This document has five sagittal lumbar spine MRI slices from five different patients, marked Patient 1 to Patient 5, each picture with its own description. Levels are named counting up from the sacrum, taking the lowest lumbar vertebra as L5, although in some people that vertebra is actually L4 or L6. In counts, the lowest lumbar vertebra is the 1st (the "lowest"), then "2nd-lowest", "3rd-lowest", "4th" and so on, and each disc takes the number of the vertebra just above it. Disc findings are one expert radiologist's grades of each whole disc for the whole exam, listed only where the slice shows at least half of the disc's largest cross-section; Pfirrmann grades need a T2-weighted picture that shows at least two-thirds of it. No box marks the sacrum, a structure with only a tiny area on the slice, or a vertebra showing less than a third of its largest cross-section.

Patient 1 of 5:
Lumbar spine MR, T2-weighted, sagittal, Philips Medical Systems Ingenia (1.5T)
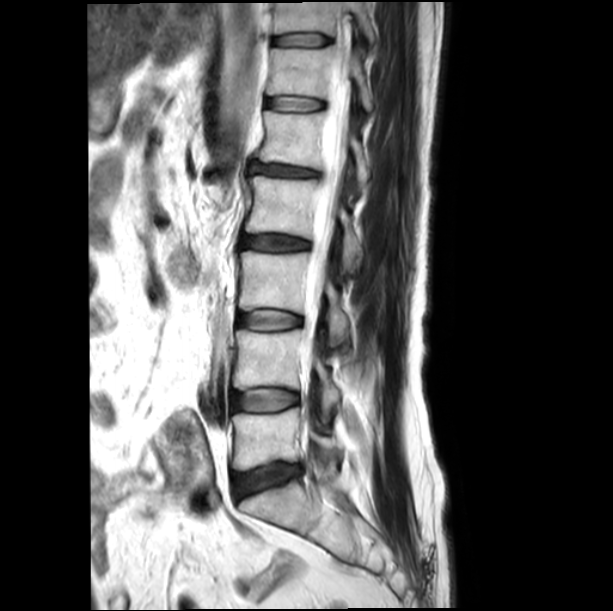 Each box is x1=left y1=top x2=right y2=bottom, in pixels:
T11 vertebra: x1=274 y1=2 x2=373 y2=43.
L5/S1: x1=234 y1=464 x2=300 y2=497.
IVD L3/L4: x1=238 y1=311 x2=300 y2=330.
IVD T11/T12: x1=274 y1=34 x2=329 y2=45.
T12/L1: x1=267 y1=97 x2=322 y2=110.
L2/L3: x1=241 y1=235 x2=309 y2=251.
IVD L4/L5: x1=232 y1=390 x2=298 y2=410.
Thecal sac / spinal canal: x1=300 y1=55 x2=349 y2=440.
L2: x1=245 y1=176 x2=362 y2=272.
L5 vertebra: x1=233 y1=408 x2=341 y2=475.
IVD L1/L2: x1=250 y1=162 x2=318 y2=176.
L1: x1=259 y1=110 x2=370 y2=192.
T12 vertebra: x1=268 y1=46 x2=373 y2=110.
L4 vertebra: x1=233 y1=330 x2=340 y2=414.
L3: x1=239 y1=251 x2=348 y2=345.

Expert MSK radiologist gradings (per disc):
- T11/T12: Pfirrmann grade 1
- L5/S1: Pfirrmann grade 3, disc bulging
- L1/L2: Pfirrmann grade 3, disc bulging, disc narrowing
- L3/L4: Pfirrmann grade 1
- T12/L1: Pfirrmann grade 1
- L2/L3: Pfirrmann grade 3
- L4/L5: Pfirrmann grade 1

Patient 2 of 5:
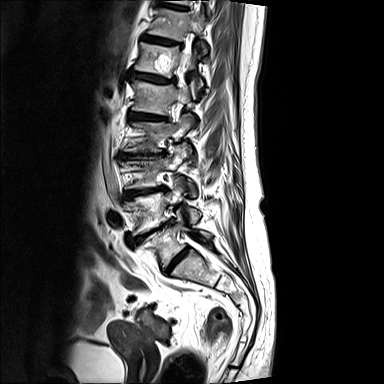
Slice 12 of 15 | Field of view 300x300 mm | T2-weighted sagittal MRI of the lumbar spine
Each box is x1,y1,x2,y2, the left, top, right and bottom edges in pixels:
L1/L2: 128,111,165,120.
T12: 134,42,206,87.
L3 vertebra: 122,144,195,196.
IVD L4/L5: 135,220,173,242.
L5 vertebra: 141,210,210,267.
IVD L3/L4: 124,187,163,199.
L1 vertebra: 132,80,190,114.
L4 vertebra: 124,182,200,235.
IVD L5/S1: 164,248,189,274.
L2: 123,114,191,152.
T10/T11: 157,1,187,10.
IVD T11/T12: 142,35,181,45.
T11: 147,8,207,48.
L2/L3: 119,152,165,159.
Thecal sac / spinal canal: 180,24,196,81.
IVD T12/L1: 128,71,175,83.

Per-level radiological findings:
• T11/T12: lower-endplate change, upper-endplate change, Modic type II, disc bulging
• T10/T11: disc bulging
• L1/L2: Pfirrmann grade 5, upper-endplate change, lower-endplate change, Modic type II, disc narrowing, disc bulging
• L4/L5: Pfirrmann grade 5, disc narrowing, disc bulging, lower-endplate change, upper-endplate change, Modic type II
• T12/L1: Pfirrmann grade 5, disc narrowing, Modic type II, lower-endplate change, upper-endplate change, disc bulging
• L5/S1: Pfirrmann grade 5, lower-endplate change, Modic type II, disc bulging, disc narrowing, upper-endplate change
• L3/L4: Pfirrmann grade 5, disc narrowing, disc bulging, Modic type II, upper-endplate change, lower-endplate change

Patient 3 of 5:
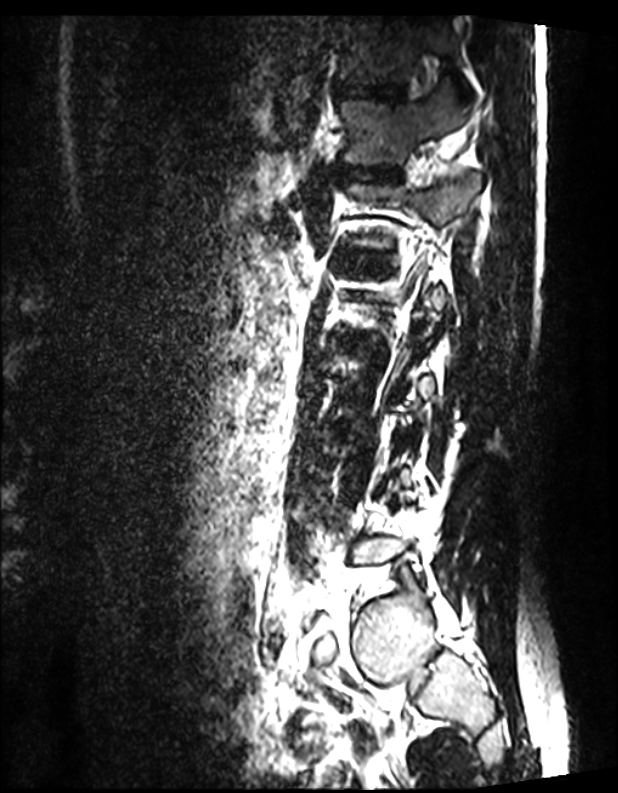
Image 618x793; MRI lumbar spine (T2 SPACE (3D)), sagittal plane; Sex M

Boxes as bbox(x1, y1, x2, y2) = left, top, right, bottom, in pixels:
disc T11/T12: bbox(335, 85, 402, 101)
T12 vertebra: bbox(341, 91, 474, 164)
disc T12/L1: bbox(334, 166, 399, 181)
T11: bbox(339, 16, 466, 89)

Degenerative findings by level:
- T11/T12: Pfirrmann grade 1
- T12/L1: no herniation, bulging, narrowing, spondylolisthesis, endplate or Modic change recorded

Patient 4 of 5:
Sagittal T2-weighted lumbar spine MRI. 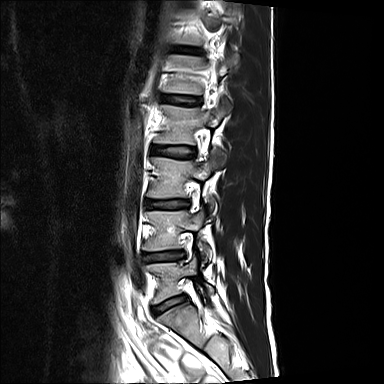 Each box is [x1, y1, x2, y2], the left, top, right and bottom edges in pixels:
Segmented structures:
- intervertebral disc L2/L3 (4th disc) = [151, 146, 194, 158]
- intervertebral disc L3/L4 (3rd-lowest disc) = [146, 200, 185, 208]
- L5/S1 (lowest disc) = [155, 295, 187, 313]
- L1/L2 (5th disc) = [162, 95, 199, 105]
- L3 (3rd-lowest vertebra) = [147, 152, 222, 198]
- L4 (2nd-lowest vertebra) = [143, 211, 212, 261]
- L2 (4th vertebra) = [155, 100, 231, 144]
- intervertebral disc L4/L5 (2nd-lowest disc) = [142, 252, 182, 261]
- L5 (lowest vertebra) = [147, 256, 213, 303]
- L1 (5th vertebra) = [164, 55, 229, 94]
- intervertebral disc T12/L1 (6th disc) = [179, 47, 197, 53]

Radiological gradings:
- L4/L5 (2nd-lowest disc): disc bulging, upper-endplate change, lower-endplate change
- L3/L4 (3rd-lowest disc): disc narrowing, upper-endplate change, lower-endplate change
- L2/L3 (4th disc): Pfirrmann grade 2, lower-endplate change
- L1/L2 (5th disc): Pfirrmann grade 2

Patient 5 of 5:
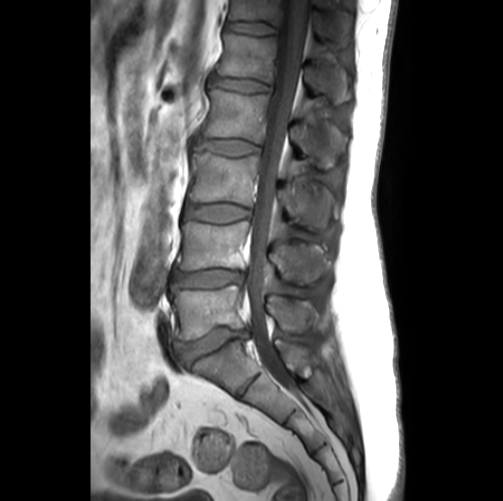

Sagittal T1-weighted lumbar spine MRI, Slice 13/26, Image 503x501

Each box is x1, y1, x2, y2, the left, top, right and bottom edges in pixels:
- 6th vertebra: 229, 0, 352, 45
- 2nd-lowest vertebra: 177, 222, 327, 283
- lowest disc: 173, 327, 248, 367
- 2nd-lowest disc: 172, 270, 244, 288
- 3rd-lowest vertebra: 190, 152, 338, 227
- 6th disc: 226, 22, 276, 34
- 5th disc: 211, 75, 270, 91
- 3rd-lowest disc: 185, 203, 250, 222
- 4th vertebra: 204, 89, 336, 168
- lowest vertebra: 172, 285, 318, 339
- spinal canal: 246, 0, 308, 387
- 4th disc: 196, 138, 260, 156
- 5th vertebra: 217, 33, 350, 103

Radiological gradings:
  2nd-lowest disc: upper-endplate change, disc bulging, Modic type II, disc narrowing, lower-endplate change
  lowest disc: disc narrowing, disc bulging
  3rd-lowest disc, 6th disc, 4th disc, 5th disc: no Modic or endplate change, herniation, narrowing, bulging or spondylolisthesis recorded